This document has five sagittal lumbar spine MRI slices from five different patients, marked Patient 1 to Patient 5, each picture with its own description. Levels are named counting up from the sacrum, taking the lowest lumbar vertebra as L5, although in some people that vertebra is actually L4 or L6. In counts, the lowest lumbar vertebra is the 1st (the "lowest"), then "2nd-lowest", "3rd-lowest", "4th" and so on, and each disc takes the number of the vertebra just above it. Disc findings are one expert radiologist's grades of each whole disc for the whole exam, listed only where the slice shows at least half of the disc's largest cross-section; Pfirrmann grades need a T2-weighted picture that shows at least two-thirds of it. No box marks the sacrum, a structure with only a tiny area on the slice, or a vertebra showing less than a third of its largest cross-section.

Patient 1 of 5:
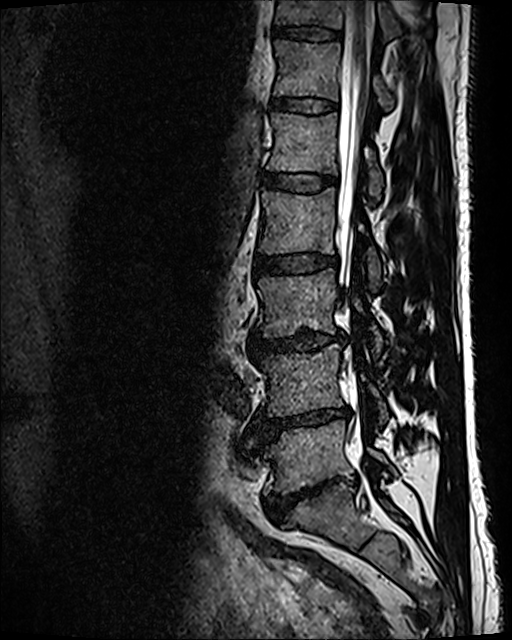 Slice 48/120. 512x640 px. Field of view 240x300 mm. Lumbar spine MR, T2 SPACE (3D), sagittal.
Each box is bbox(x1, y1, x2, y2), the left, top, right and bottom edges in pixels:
Annotations:
• IVD T12/L1: bbox(272, 97, 336, 113)
• L4/L5: bbox(256, 406, 349, 440)
• L2: bbox(259, 187, 380, 287)
• spinal canal: bbox(337, 1, 375, 434)
• IVD L2/L3: bbox(255, 255, 336, 275)
• L3 vertebra: bbox(258, 268, 381, 353)
• L4 vertebra: bbox(257, 345, 388, 424)
• T11/T12: bbox(271, 26, 341, 41)
• IVD L3/L4: bbox(251, 332, 343, 352)
• L1: bbox(267, 112, 382, 199)
• L5 vertebra: bbox(263, 421, 395, 494)
• T12 vertebra: bbox(273, 40, 393, 110)
• T11 vertebra: bbox(274, 0, 433, 41)
• IVD L1/L2: bbox(261, 172, 336, 192)
• L5/S1: bbox(264, 481, 331, 522)

Per-level radiological findings:
• T12/L1: Pfirrmann grade 2
• L3/L4: Pfirrmann grade 3, disc bulging, disc narrowing
• L5/S1: disc bulging, spondylolisthesis, lower-endplate change, disc narrowing
• T11/T12: Pfirrmann grade 2
• L1/L2: Pfirrmann grade 2
• L4/L5: Pfirrmann grade 5, Modic type II, disc bulging, lower-endplate change, disc narrowing
• L2/L3: Pfirrmann grade 2

Patient 2 of 5:
Lumbar spine MR, T2 SPACE (3D), sagittal; Image 512x640; Patient sex: F 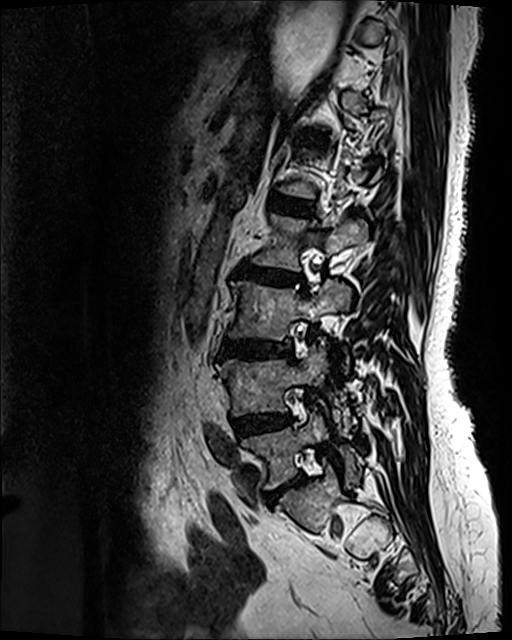 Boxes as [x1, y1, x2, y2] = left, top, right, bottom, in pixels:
3rd-lowest vertebra = [229, 280, 351, 338] | 2nd-lowest disc = [235, 416, 290, 438] | 4th vertebra = [253, 215, 367, 271] | lowest vertebra = [243, 414, 359, 489] | 6th disc = [307, 135, 324, 141] | 5th disc = [271, 195, 312, 215] | 3rd-lowest disc = [223, 340, 291, 356] | 2nd-lowest vertebra = [216, 339, 341, 429] | 4th disc = [238, 266, 301, 284] | lowest disc = [268, 475, 303, 501]

Degenerative findings by level:
  3rd-lowest disc: Pfirrmann grade 4, Modic type II, disc bulging, upper-endplate change, disc narrowing, lower-endplate change
  4th disc: Pfirrmann grade 4, upper-endplate change, disc narrowing, lower-endplate change, disc bulging, Modic type II
  2nd-lowest disc: disc bulging
  5th disc: no herniation, bulging, narrowing, spondylolisthesis, endplate or Modic change recorded

Patient 3 of 5:
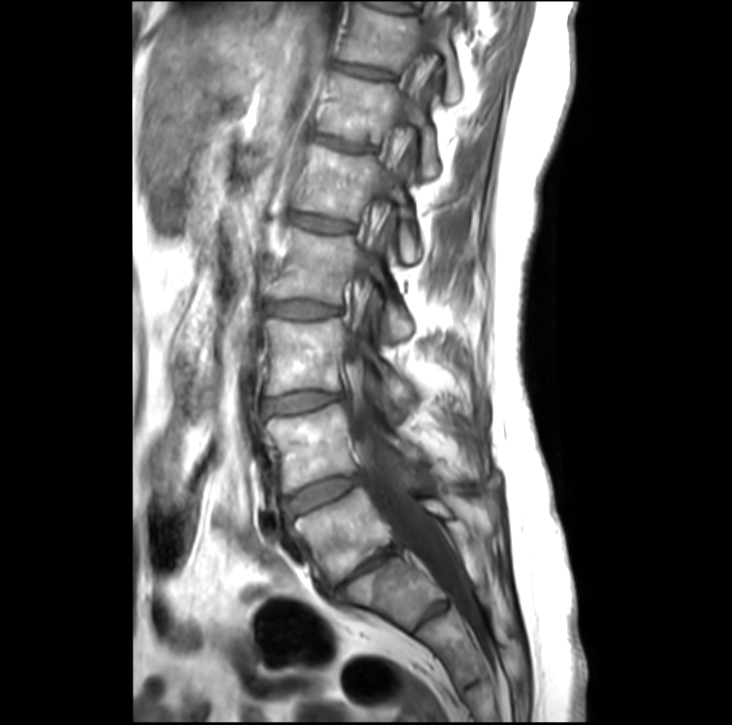 Field of view 284x282 mm, slice spacing 3.3 mm | 732x725 px | Lumbar spine MR, T1-weighted, sagittal
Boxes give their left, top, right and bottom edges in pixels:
L4 at left=264, top=405, right=485, bottom=492.
Thecal sac / spinal canal at left=343, top=0, right=462, bottom=593.
IVD T11/T12 at left=337, top=64, right=388, bottom=78.
IVD L3/L4 at left=265, top=393, right=340, bottom=411.
L4/L5 at left=284, top=477, right=360, bottom=517.
T11 vertebra at left=338, top=6, right=459, bottom=103.
IVD L1/L2 at left=287, top=213, right=351, bottom=233.
L2 at left=270, top=228, right=411, bottom=340.
IVD L2/L3 at left=268, top=303, right=337, bottom=319.
IVD L5/S1 at left=323, top=545, right=398, bottom=597.
L1 vertebra at left=289, top=148, right=422, bottom=262.
L3 vertebra at left=265, top=320, right=415, bottom=407.
T12 at left=320, top=73, right=438, bottom=179.
IVD T12/L1 at left=315, top=136, right=370, bottom=151.
L5 at left=293, top=488, right=495, bottom=587.

Expert MSK radiologist gradings (per disc):
- L4/L5: disc bulging
- L3/L4: disc bulging
- L5/S1: lower-endplate change, Modic type II, disc bulging, upper-endplate change, disc narrowing
- T11/T12, L2/L3, T12/L1, L1/L2: no herniation, bulging, narrowing, spondylolisthesis, endplate or Modic change recorded

Patient 4 of 5:
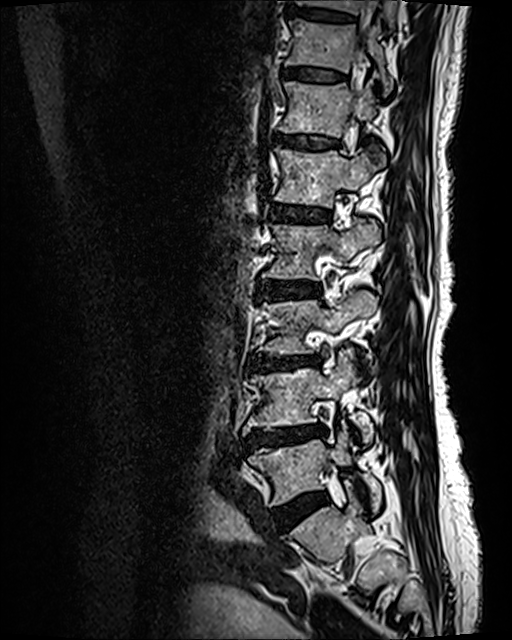

MRI lumbar spine (T2 SPACE (3D)), sagittal plane, Slice 80/120

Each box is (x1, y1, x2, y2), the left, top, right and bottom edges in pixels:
T12 — (278, 81, 376, 137).
L4/L5 — (245, 426, 326, 447).
L3 vertebra — (262, 290, 376, 354).
Intervertebral disc L1/L2 — (271, 205, 329, 221).
L3/L4 — (249, 353, 318, 369).
L5 vertebra — (249, 427, 383, 512).
Intervertebral disc T11/T12 — (283, 69, 342, 80).
Intervertebral disc T10/T11 — (288, 7, 353, 21).
Intervertebral disc T12/L1 — (275, 134, 337, 148).
Thecal sac / spinal canal — (360, 0, 379, 60).
T10 vertebra — (296, 0, 395, 27).
T11 vertebra — (286, 19, 392, 94).
L2 — (262, 219, 379, 279).
Intervertebral disc L5/S1 — (278, 493, 326, 525).
L4 — (242, 351, 373, 443).
L1 vertebra — (274, 146, 383, 207).
L2/L3 — (258, 279, 319, 299).

Degenerative findings by level:
  L3/L4: lower-endplate change, disc bulging, disc narrowing, Modic type II, upper-endplate change
  T11/T12: Pfirrmann grade 2, lower-endplate change, upper-endplate change, Modic type II
  L2/L3: upper-endplate change, disc bulging, lower-endplate change, Modic type II
  L4/L5: Pfirrmann grade 4, upper-endplate change, disc narrowing, lower-endplate change, Modic type II, disc bulging
  T12/L1: Pfirrmann grade 2, Modic type II, lower-endplate change, upper-endplate change
  T10/T11: Pfirrmann grade 2, upper-endplate change, lower-endplate change
  L1/L2: Pfirrmann grade 3, upper-endplate change, Modic type II, lower-endplate change

Patient 5 of 5:
Patient sex: F, Scanner: SIEMENS Avanto_fit (1.5T), MRI lumbar spine (T2 SPACE (3D)), sagittal plane, Field of view 240x308 mm, slice spacing 0.9 mm
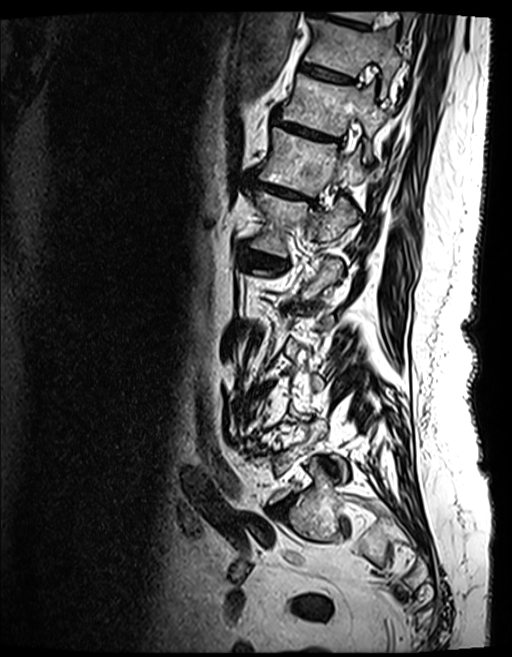

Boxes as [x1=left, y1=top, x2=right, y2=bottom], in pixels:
7th disc at [x1=278, y1=121, x2=333, y2=141], lowest disc at [x1=271, y1=496, x2=289, y2=514], 8th disc at [x1=300, y1=63, x2=351, y2=83], 9th disc at [x1=313, y1=1, x2=367, y2=29], 6th disc at [x1=253, y1=181, x2=314, y2=203], 7th vertebra at [x1=281, y1=75, x2=389, y2=136], 6th vertebra at [x1=259, y1=127, x2=367, y2=196], 8th vertebra at [x1=306, y1=17, x2=402, y2=96], 5th vertebra at [x1=254, y1=192, x2=357, y2=255].

Degenerative findings by level:
• 7th disc: Pfirrmann grade 5, disc narrowing, disc bulging, Modic type II, upper-endplate change, lower-endplate change
• 8th disc: Pfirrmann grade 4, lower-endplate change, upper-endplate change, Modic type II
• 9th disc: Pfirrmann grade 4, disc bulging, upper-endplate change, lower-endplate change, Modic type II
• 6th disc: Pfirrmann grade 4, upper-endplate change, Modic type II, lower-endplate change, disc bulging, disc narrowing